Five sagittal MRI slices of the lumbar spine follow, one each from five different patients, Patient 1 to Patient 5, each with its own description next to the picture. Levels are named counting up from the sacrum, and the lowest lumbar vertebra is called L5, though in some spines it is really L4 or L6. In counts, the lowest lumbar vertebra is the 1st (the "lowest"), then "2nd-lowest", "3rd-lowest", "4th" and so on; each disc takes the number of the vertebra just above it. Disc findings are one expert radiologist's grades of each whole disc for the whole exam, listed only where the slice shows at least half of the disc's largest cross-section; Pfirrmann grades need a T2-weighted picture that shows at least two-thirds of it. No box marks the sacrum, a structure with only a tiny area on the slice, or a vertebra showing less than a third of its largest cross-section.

Patient 1 of 5:
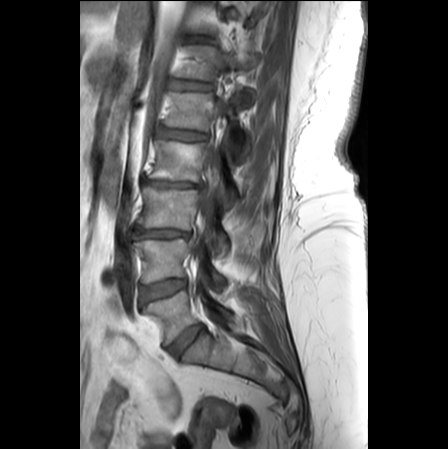 Lumbar spine MR, T1-weighted, sagittal, Slice 10 of 25
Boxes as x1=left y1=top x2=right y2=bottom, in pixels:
• 4th vertebra — x1=148 y1=141 x2=239 y2=200
• lowest disc — x1=169 y1=324 x2=204 y2=357
• 6th disc — x1=167 y1=80 x2=212 y2=89
• 5th disc — x1=157 y1=128 x2=206 y2=140
• 3rd-lowest disc — x1=133 y1=227 x2=191 y2=238
• 3rd-lowest vertebra — x1=138 y1=187 x2=228 y2=250
• 2nd-lowest disc — x1=141 y1=279 x2=186 y2=301
• 4th disc — x1=142 y1=178 x2=200 y2=187
• 6th vertebra — x1=174 y1=45 x2=238 y2=80
• 2nd-lowest vertebra — x1=132 y1=239 x2=225 y2=285
• lowest vertebra — x1=144 y1=290 x2=231 y2=344
• spinal canal — x1=191 y1=145 x2=220 y2=259
• 5th vertebra — x1=164 y1=90 x2=251 y2=162
• 7th disc — x1=183 y1=37 x2=215 y2=43

Per-level radiological findings:
  2nd-lowest disc: disc bulging, lower-endplate change, upper-endplate change, Modic type II
  5th disc: disc bulging
  lowest disc: disc bulging
  3rd-lowest disc: disc narrowing, disc bulging, lower-endplate change, upper-endplate change
  6th disc: upper-endplate change
  4th disc: upper-endplate change, disc narrowing, lower-endplate change, disc herniation, Modic type II

Patient 2 of 5:
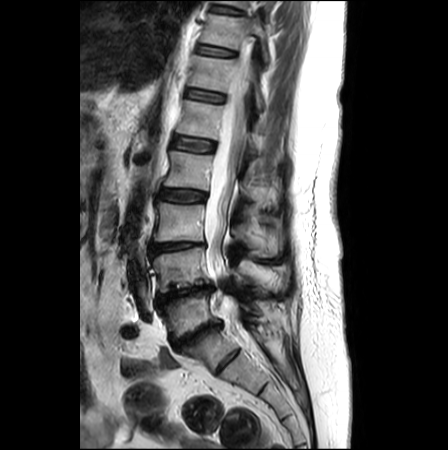 T2-weighted sagittal MRI of the lumbar spine. Sagittal slice index 11.
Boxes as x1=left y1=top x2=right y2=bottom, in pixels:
6th vertebra — x1=188 y1=56 x2=263 y2=108.
Lowest vertebra — x1=159 y1=292 x2=255 y2=339.
Lowest disc — x1=173 y1=323 x2=220 y2=351.
4th vertebra — x1=164 y1=151 x2=259 y2=200.
2nd-lowest vertebra — x1=151 y1=247 x2=250 y2=292.
5th disc — x1=173 y1=136 x2=214 y2=151.
3rd-lowest disc — x1=149 y1=242 x2=206 y2=253.
8th disc — x1=211 y1=4 x2=241 y2=13.
5th vertebra — x1=176 y1=100 x2=257 y2=158.
3rd-lowest vertebra — x1=154 y1=202 x2=282 y2=256.
6th disc — x1=186 y1=90 x2=224 y2=102.
Thecal sac / spinal canal — x1=205 y1=36 x2=262 y2=357.
2nd-lowest disc — x1=157 y1=283 x2=214 y2=305.
7th vertebra — x1=201 y1=14 x2=268 y2=60.
7th disc — x1=197 y1=44 x2=234 y2=56.
4th disc — x1=159 y1=189 x2=206 y2=201.

Per-level radiological findings:
• 6th disc: Pfirrmann grade 2
• 5th disc: Pfirrmann grade 2
• 8th disc: Pfirrmann grade 1
• 2nd-lowest disc: Pfirrmann grade 5, disc narrowing, disc bulging
• lowest disc: Pfirrmann grade 5, upper-endplate change, disc narrowing, lower-endplate change, disc bulging, Modic type II
• 7th disc: Pfirrmann grade 1
• 3rd-lowest disc: Pfirrmann grade 4, disc narrowing, lower-endplate change, upper-endplate change, disc bulging
• 4th disc: Pfirrmann grade 3, disc bulging

Patient 3 of 5:
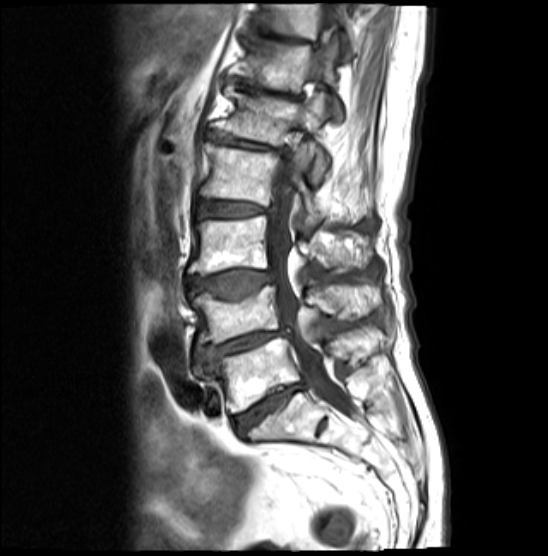 T1-weighted sagittal MRI of the lumbar spine
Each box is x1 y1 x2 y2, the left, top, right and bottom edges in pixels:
Annotations:
• T11 at 252 3 359 56
• L5 vertebra at 194 331 362 413
• T12/L1 at 235 79 302 98
• intervertebral disc L1/L2 at 209 132 289 154
• intervertebral disc L4/L5 at 195 326 292 362
• T11/T12 at 254 32 318 47
• T12 at 230 35 342 120
• L5/S1 at 235 383 302 436
• L3/L4 at 187 270 273 298
• L3 at 188 216 366 274
• thecal sac / spinal canal at 267 4 359 418
• L1 at 216 88 328 183
• intervertebral disc L2/L3 at 195 201 277 217
• L2 at 199 142 323 223
• L4 vertebra at 190 286 379 344

Degenerative findings by level:
- L2/L3: Modic type II, lower-endplate change, disc bulging, upper-endplate change, disc narrowing
- L3/L4: lower-endplate change, Modic type II, upper-endplate change, disc bulging
- L5/S1: upper-endplate change, Modic type II, disc narrowing, lower-endplate change, disc bulging
- L1/L2: Modic type II, disc bulging, lower-endplate change, disc narrowing, upper-endplate change
- T12/L1: lower-endplate change, disc narrowing, upper-endplate change, Modic type II, disc bulging
- L4/L5: disc narrowing, Modic type II, disc bulging, upper-endplate change, lower-endplate change

Patient 4 of 5:
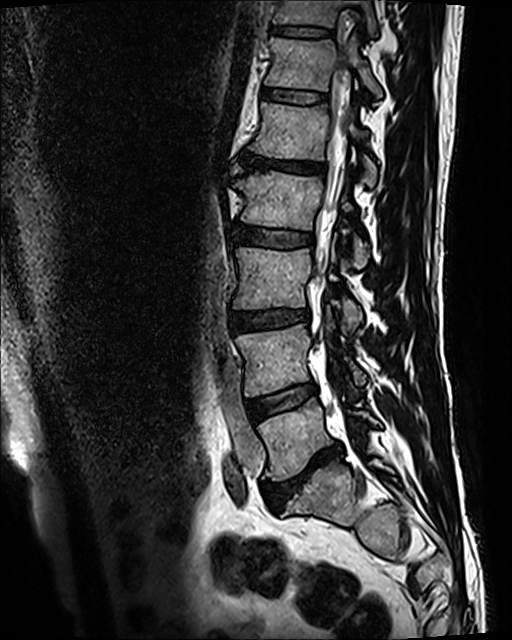

Sex M | Slice spacing 0.9 mm | Sagittal T2 SPACE (3D) lumbar spine MRI
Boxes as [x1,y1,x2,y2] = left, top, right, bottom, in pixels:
{"L4": "[236,309,365,396]", "T11/T12": "[271,28,332,36]", "L4/L5": "[245,383,316,418]", "intervertebral disc L3/L4": "[229,309,310,332]", "intervertebral disc L5/S1": "[262,443,343,508]", "L1 vertebra": "[249,102,376,187]", "T11": "[273,0,376,33]", "T12/L1": "[261,86,328,103]", "thecal sac / spinal canal": "[314,74,349,279]", "L3": "[233,247,362,330]", "L2": "[235,171,368,267]", "T12": "[265,37,381,97]", "intervertebral disc L2/L3": "[231,221,314,247]", "L5 vertebra": "[258,398,379,480]", "L1/L2": "[240,152,326,175]"}

Degenerative findings by level:
- L3/L4: Pfirrmann grade 3, upper-endplate change, lower-endplate change, disc bulging
- T12/L1: Pfirrmann grade 3
- L5/S1: Pfirrmann grade 5, lower-endplate change, disc bulging, Modic type II, disc narrowing, upper-endplate change
- L1/L2: Pfirrmann grade 5, upper-endplate change, disc narrowing, lower-endplate change, disc bulging, Modic type II
- T11/T12: Pfirrmann grade 3, lower-endplate change, upper-endplate change
- L2/L3: Pfirrmann grade 3
- L4/L5: Modic type II

Patient 5 of 5:
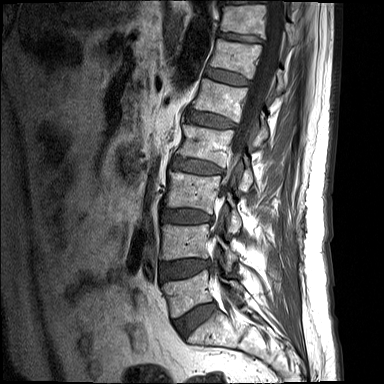 Patient sex: M; Slice 6 of 15; 384x384 px; MRI lumbar spine (T1-weighted), sagittal plane
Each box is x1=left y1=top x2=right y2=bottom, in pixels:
Disc L5/S1 = x1=174 y1=303 x2=215 y2=336.
Disc L4/L5 = x1=160 y1=260 x2=210 y2=280.
T11 vertebra = x1=220 y1=5 x2=293 y2=47.
T11/T12 = x1=218 y1=31 x2=261 y2=43.
L4 = x1=161 y1=224 x2=237 y2=270.
Disc L3/L4 = x1=163 y1=209 x2=212 y2=223.
L2/L3 = x1=175 y1=159 x2=223 y2=173.
Thecal sac / spinal canal = x1=220 y1=0 x2=283 y2=201.
L5 = x1=162 y1=270 x2=243 y2=317.
T12 vertebra = x1=210 y1=39 x2=283 y2=93.
L2 = x1=178 y1=124 x2=252 y2=190.
T12/L1 = x1=206 y1=67 x2=249 y2=85.
L1 = x1=192 y1=79 x2=268 y2=146.
Disc L1/L2 = x1=188 y1=111 x2=235 y2=128.
L3 vertebra = x1=165 y1=171 x2=241 y2=233.

Radiological gradings:
• L2/L3: upper-endplate change, disc bulging, lower-endplate change
• L1/L2: upper-endplate change, lower-endplate change
• T11/T12: upper-endplate change, disc narrowing, lower-endplate change
• L3/L4: lower-endplate change, disc bulging, upper-endplate change
• L5/S1: disc bulging
• L4/L5: disc bulging
• T12/L1: no spondylolisthesis, narrowing, bulging, herniation, Modic or endplate change recorded